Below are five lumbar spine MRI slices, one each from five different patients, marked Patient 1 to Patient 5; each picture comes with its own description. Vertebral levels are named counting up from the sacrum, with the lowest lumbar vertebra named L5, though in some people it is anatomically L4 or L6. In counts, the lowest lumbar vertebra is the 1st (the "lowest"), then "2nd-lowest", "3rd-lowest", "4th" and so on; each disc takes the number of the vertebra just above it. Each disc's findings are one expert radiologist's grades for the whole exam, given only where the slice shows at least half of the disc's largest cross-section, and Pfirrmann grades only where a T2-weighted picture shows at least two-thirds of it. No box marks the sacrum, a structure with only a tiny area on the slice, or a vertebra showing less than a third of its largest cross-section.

Patient 1 of 5:
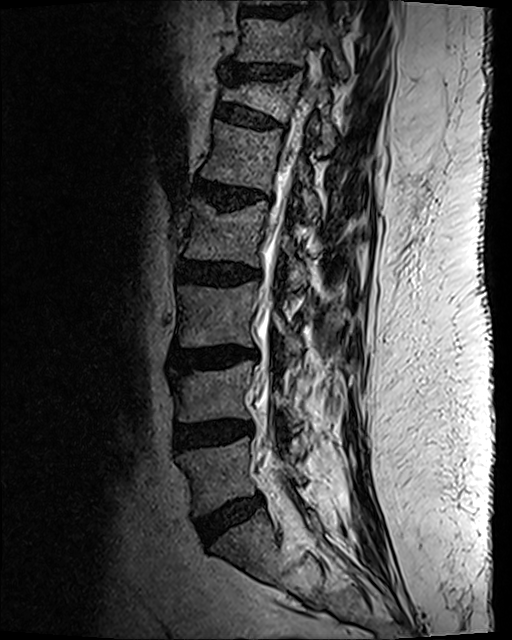

Slice 70 of 120; MRI lumbar spine (T2 SPACE (3D)), sagittal plane

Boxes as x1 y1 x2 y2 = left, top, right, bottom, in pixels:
7th disc at 229 65 296 81, lowest disc at 196 495 263 545, 5th vertebra at 201 121 319 220, 2nd-lowest vertebra at 177 362 301 430, 7th vertebra at 238 13 347 76, lowest vertebra at 180 437 302 515, 6th vertebra at 223 73 336 152, 2nd-lowest disc at 175 422 252 450, thecal sac / spinal canal at 254 86 317 469, 4th vertebra at 185 199 308 289, 4th disc at 178 261 259 287, 3rd-lowest disc at 176 349 257 372, 3rd-lowest vertebra at 178 282 301 359, 6th disc at 215 103 281 128, 8th disc at 242 9 298 18, 5th disc at 192 180 257 210.

Radiological gradings:
- 4th disc: Pfirrmann grade 3, disc bulging, lower-endplate change
- 7th disc: Pfirrmann grade 2, upper-endplate change, disc bulging, lower-endplate change, disc narrowing
- 3rd-lowest disc: Pfirrmann grade 3, disc bulging, lower-endplate change, upper-endplate change, Modic type II
- 6th disc: Pfirrmann grade 2, lower-endplate change, disc bulging, upper-endplate change, spondylolisthesis
- 2nd-lowest disc: Pfirrmann grade 3, disc narrowing, disc bulging
- lowest disc: Pfirrmann grade 2, disc bulging
- 5th disc: Pfirrmann grade 3, disc narrowing, upper-endplate change, disc bulging, lower-endplate change, Modic type II

Patient 2 of 5:
Sagittal T2 SPACE (3D) lumbar spine MRI, Slice spacing 0.9 mm, Slice 53/120, Scanner: SIEMENS Avanto_fit (1.5T) 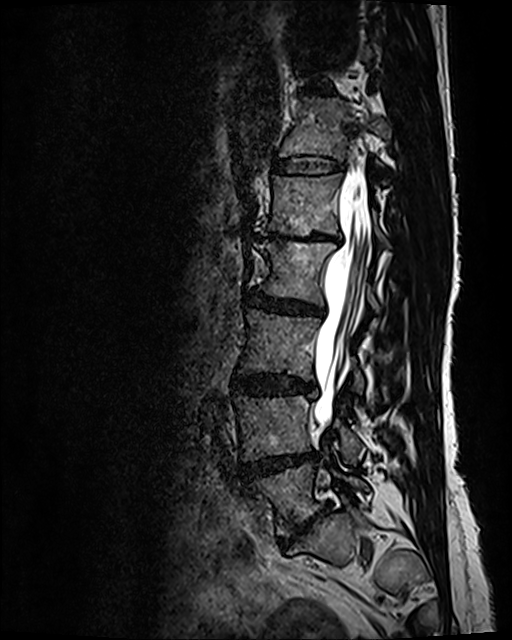

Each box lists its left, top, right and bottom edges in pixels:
L4/L5 (2nd-lowest disc): left=240, top=453, right=315, bottom=478
T12/L1 (6th disc): left=273, top=155, right=342, bottom=175
L5 (lowest vertebra): left=246, top=464, right=369, bottom=535
IVD L3/L4 (3rd-lowest disc): left=233, top=374, right=315, bottom=395
L1/L2 (5th disc): left=257, top=231, right=338, bottom=242
L1 (5th vertebra): left=256, top=175, right=387, bottom=244
T12 (6th vertebra): left=280, top=98, right=390, bottom=160
L2 (4th vertebra): left=253, top=242, right=380, bottom=312
IVD L5/S1 (lowest disc): left=281, top=506, right=327, bottom=545
spinal canal: left=313, top=176, right=368, bottom=430
L4 (2nd-lowest vertebra): left=235, top=395, right=364, bottom=464
L2/L3 (4th disc): left=249, top=289, right=322, bottom=315
L3 (3rd-lowest vertebra): left=239, top=310, right=363, bottom=392

Radiological gradings:
• L2/L3 (4th disc): disc bulging, disc narrowing
• L1/L2 (5th disc): Pfirrmann grade 5, Modic type II, lower-endplate change, upper-endplate change, disc bulging, disc narrowing
• L4/L5 (2nd-lowest disc): Pfirrmann grade 4, disc narrowing, disc bulging, Modic type II
• T12/L1 (6th disc): Pfirrmann grade 2
• L3/L4 (3rd-lowest disc): Pfirrmann grade 3, disc bulging

Patient 3 of 5:
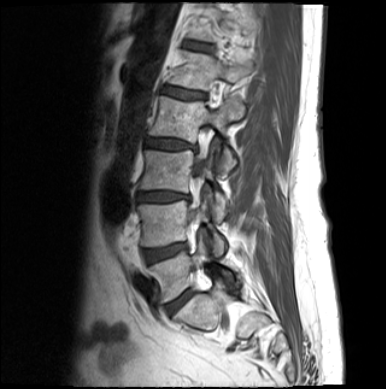 Sex F, T1-weighted sagittal MRI of the lumbar spine
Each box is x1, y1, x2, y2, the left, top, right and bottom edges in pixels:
Structures:
- intervertebral disc T12/L1 — 186, 43, 210, 51
- L1 vertebra — 169, 50, 253, 90
- L2 — 148, 96, 244, 173
- L5 — 149, 239, 241, 301
- L4/L5 — 143, 242, 188, 262
- intervertebral disc L1/L2 — 163, 87, 205, 99
- intervertebral disc L2/L3 — 146, 139, 198, 151
- L3 vertebra — 140, 149, 228, 221
- intervertebral disc L5/S1 — 168, 290, 193, 313
- spinal canal — 193, 157, 204, 216
- L4 vertebra — 137, 200, 226, 256
- intervertebral disc L3/L4 — 137, 191, 192, 201

Expert MSK radiologist gradings (per disc):
- L4/L5: disc bulging
- L1/L2: disc bulging
- L2/L3: disc bulging
- L3/L4: disc bulging, disc narrowing

Patient 4 of 5:
MRI lumbar spine (T1-weighted), sagittal plane | SIEMENS Avanto_fit (1.5T) | Slice 4 of 17 | Slice spacing 3.3 mm 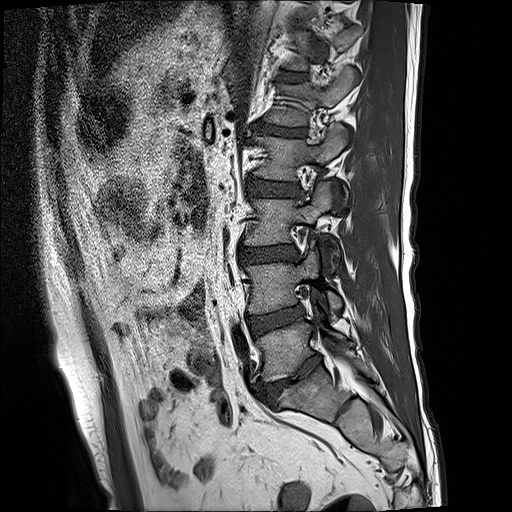

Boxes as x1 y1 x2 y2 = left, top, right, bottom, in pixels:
Intervertebral disc L4/L5 at 248 306 303 334, intervertebral disc L1/L2 at 256 126 307 137, L3 at 243 182 340 271, intervertebral disc T12/L1 at 278 72 309 81, L4 vertebra at 245 249 342 314, L5 at 256 318 353 381, L3/L4 at 239 246 299 265, L2 vertebra at 252 124 346 205, intervertebral disc T11/T12 at 294 23 308 29, intervertebral disc L2/L3 at 245 179 301 197, L1 vertebra at 263 66 357 126, T12 vertebra at 282 29 361 71, intervertebral disc L5/S1 at 257 356 320 405.

Degenerative findings by level:
• L5/S1: upper-endplate change, Modic type II, disc bulging, disc narrowing, lower-endplate change
• L4/L5: Modic type II
• L3/L4: upper-endplate change, disc bulging, lower-endplate change
• T12/L1, L2/L3: no spondylolisthesis, narrowing, bulging, herniation, Modic or endplate change recorded

Patient 5 of 5:
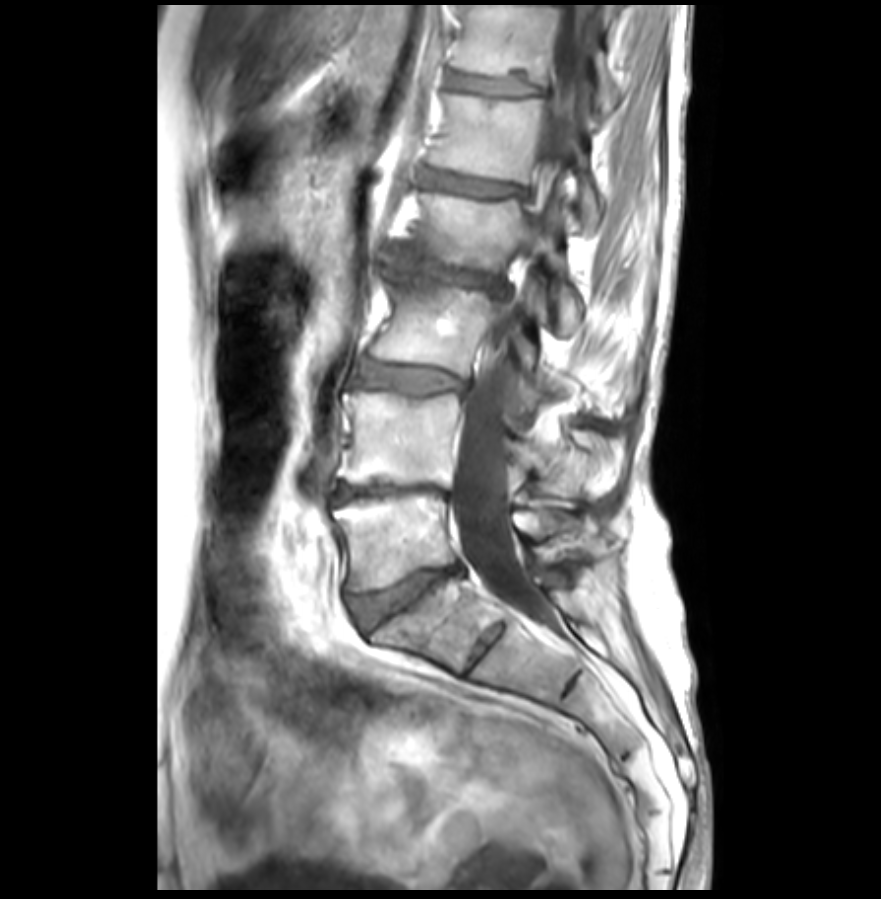

Sex F | MRI lumbar spine (T1-weighted), sagittal plane | Sagittal slice index 13

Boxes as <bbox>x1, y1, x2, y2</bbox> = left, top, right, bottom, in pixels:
Structures:
* L4 — <bbox>342, 393, 571, 494</bbox>
* L1/L2 — <bbox>425, 170, 526, 197</bbox>
* T12/L1 — <bbox>448, 73, 544, 95</bbox>
* L1 vertebra — <bbox>431, 94, 601, 231</bbox>
* spinal canal — <bbox>450, 5, 597, 619</bbox>
* L4/L5 — <bbox>338, 480, 447, 504</bbox>
* disc L5/S1 — <bbox>350, 567, 459, 628</bbox>
* disc L3/L4 — <bbox>360, 362, 467, 392</bbox>
* L3 — <bbox>374, 270, 560, 395</bbox>
* T12 vertebra — <bbox>452, 5, 621, 118</bbox>
* L2/L3 — <bbox>380, 252, 508, 295</bbox>
* L2 vertebra — <bbox>399, 192, 583, 333</bbox>
* L5 — <bbox>336, 491, 581, 590</bbox>

Per-level radiological findings:
  T12/L1: upper-endplate change, lower-endplate change
  L3/L4: disc bulging, Modic type II
  L2/L3: disc herniation, Modic type II, disc bulging, disc narrowing, upper-endplate change, lower-endplate change
  L4/L5: Modic type II, disc bulging, disc narrowing
  L1/L2: Modic type II, lower-endplate change, upper-endplate change
  L5/S1: disc narrowing, upper-endplate change, lower-endplate change, disc bulging